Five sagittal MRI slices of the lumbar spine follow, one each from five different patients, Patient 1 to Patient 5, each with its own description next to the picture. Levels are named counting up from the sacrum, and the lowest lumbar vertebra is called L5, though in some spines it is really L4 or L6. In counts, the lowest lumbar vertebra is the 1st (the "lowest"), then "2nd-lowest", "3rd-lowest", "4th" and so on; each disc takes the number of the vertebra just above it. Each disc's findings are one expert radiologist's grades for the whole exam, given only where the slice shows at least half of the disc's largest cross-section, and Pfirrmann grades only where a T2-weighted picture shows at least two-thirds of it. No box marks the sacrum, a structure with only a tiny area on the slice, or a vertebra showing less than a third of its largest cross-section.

Patient 1 of 5:
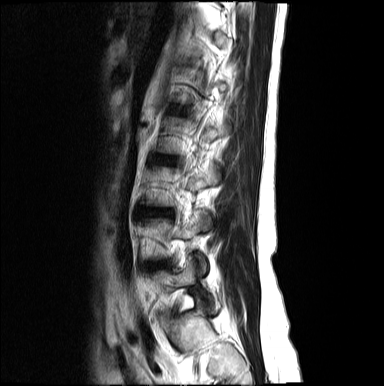 Slice 4 of 16; T2-weighted sagittal MRI of the lumbar spine; Sex F
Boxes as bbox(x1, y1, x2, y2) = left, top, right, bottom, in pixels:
4th disc at bbox(157, 156, 175, 163); 3rd-lowest disc at bbox(152, 209, 170, 214).

Patient 2 of 5:
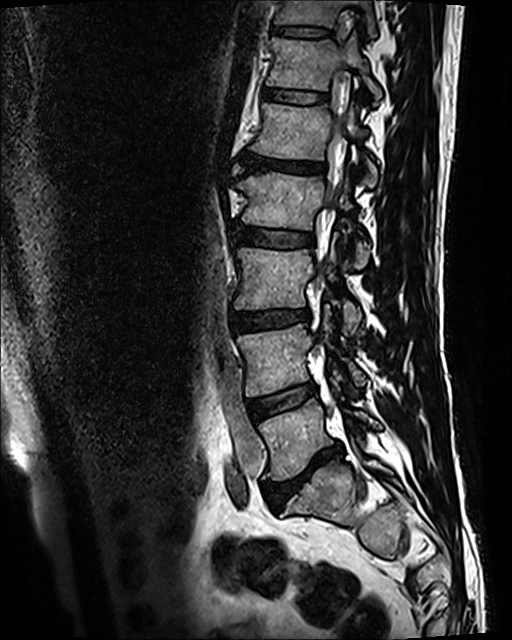 Sagittal T2 SPACE (3D) lumbar spine MRI, Field of view 240x300 mm, Sagittal slice index 76
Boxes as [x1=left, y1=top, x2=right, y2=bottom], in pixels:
4th vertebra at [x1=237, y1=172, x2=368, y2=267], 2nd-lowest disc at [x1=246, y1=383, x2=316, y2=417], 5th vertebra at [x1=250, y1=103, x2=377, y2=187], 6th vertebra at [x1=266, y1=35, x2=381, y2=100], 2nd-lowest vertebra at [x1=238, y1=308, x2=365, y2=396], 4th disc at [x1=233, y1=221, x2=314, y2=247], lowest vertebra at [x1=259, y1=383, x2=379, y2=480], 5th disc at [x1=241, y1=152, x2=326, y2=175], 3rd-lowest vertebra at [x1=234, y1=245, x2=361, y2=333], lowest disc at [x1=263, y1=443, x2=343, y2=507], 7th vertebra at [x1=275, y1=0, x2=375, y2=34], 6th disc at [x1=263, y1=87, x2=328, y2=104], 3rd-lowest disc at [x1=230, y1=309, x2=310, y2=332], spinal canal at [x1=316, y1=111, x2=344, y2=271], 7th disc at [x1=272, y1=28, x2=331, y2=37].

Radiological gradings:
- lowest disc: Pfirrmann grade 5, Modic type II, disc bulging, upper-endplate change, lower-endplate change, disc narrowing
- 3rd-lowest disc: Pfirrmann grade 3, upper-endplate change, lower-endplate change, disc bulging
- 2nd-lowest disc: Modic type II
- 6th disc: Pfirrmann grade 3
- 4th disc: Pfirrmann grade 3
- 5th disc: Pfirrmann grade 5, disc bulging, lower-endplate change, upper-endplate change, disc narrowing, Modic type II
- 7th disc: Pfirrmann grade 3, upper-endplate change, lower-endplate change

Patient 3 of 5:
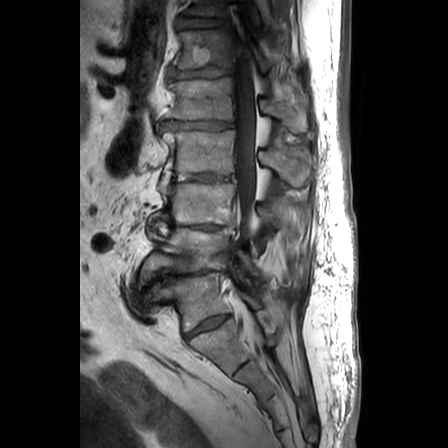
448x448 px. Sagittal T1-weighted lumbar spine MRI. Patient sex: M.
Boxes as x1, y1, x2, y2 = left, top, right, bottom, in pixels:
7th disc: 177, 18, 225, 28.
Lowest disc: 185, 315, 227, 337.
4th disc: 167, 173, 232, 181.
2nd-lowest disc: 144, 269, 213, 289.
5th vertebra: 165, 77, 308, 131.
5th disc: 161, 120, 232, 130.
3rd-lowest disc: 156, 220, 225, 229.
Lowest vertebra: 156, 272, 261, 331.
6th disc: 169, 67, 231, 80.
6th vertebra: 173, 27, 271, 71.
Thecal sac / spinal canal: 234, 39, 256, 247.
2nd-lowest vertebra: 138, 224, 261, 284.
3rd-lowest vertebra: 159, 183, 283, 229.
7th vertebra: 184, 0, 260, 27.
4th vertebra: 159, 130, 309, 186.

Per-level radiological findings:
- 6th disc: disc herniation, disc narrowing, disc bulging
- 4th disc: disc narrowing, disc bulging
- 2nd-lowest disc: disc herniation, Modic type II, disc narrowing, disc bulging
- 5th disc: disc bulging, disc narrowing
- 3rd-lowest disc: Modic type II, disc bulging, disc narrowing, disc herniation
- lowest disc: disc narrowing
- 7th disc: upper-endplate change, disc narrowing, disc bulging

Patient 4 of 5:
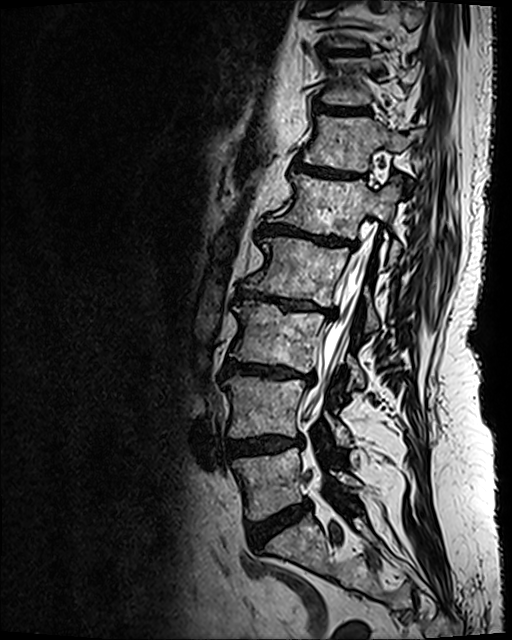 Sex F. Field of view 240x300 mm, slice spacing 0.9 mm. T2 SPACE (3D) sagittal MRI of the lumbar spine. Sagittal slice index 70.

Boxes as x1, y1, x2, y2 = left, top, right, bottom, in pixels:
Segmented structures:
- L4/L5: 224, 436, 301, 458
- L4 vertebra: 223, 376, 351, 445
- T12/L1: 293, 162, 352, 176
- IVD T10/T11: 321, 50, 362, 54
- T12: 304, 116, 411, 171
- L5 vertebra: 233, 448, 360, 520
- thecal sac / spinal canal: 309, 236, 371, 420
- L1: 270, 174, 400, 260
- L3/L4: 224, 359, 314, 381
- IVD T11/T12: 318, 106, 350, 113
- L5/S1: 247, 501, 311, 548
- L3 vertebra: 231, 301, 363, 384
- L2/L3: 237, 288, 335, 314
- L2 vertebra: 244, 237, 378, 331
- T11: 322, 58, 416, 105
- IVD L1/L2: 260, 225, 357, 247

Expert MSK radiologist gradings (per disc):
- L1/L2: Pfirrmann grade 5, disc bulging, disc narrowing, lower-endplate change, upper-endplate change, Modic type II
- L3/L4: Pfirrmann grade 5, upper-endplate change, disc bulging, lower-endplate change, Modic type II, disc narrowing
- L5/S1: Pfirrmann grade 4, disc bulging
- T12/L1: upper-endplate change, Modic type II, lower-endplate change
- L2/L3: upper-endplate change, disc bulging, lower-endplate change, disc narrowing, Modic type II
- L4/L5: Pfirrmann grade 4, lower-endplate change, upper-endplate change, disc bulging

Patient 5 of 5:
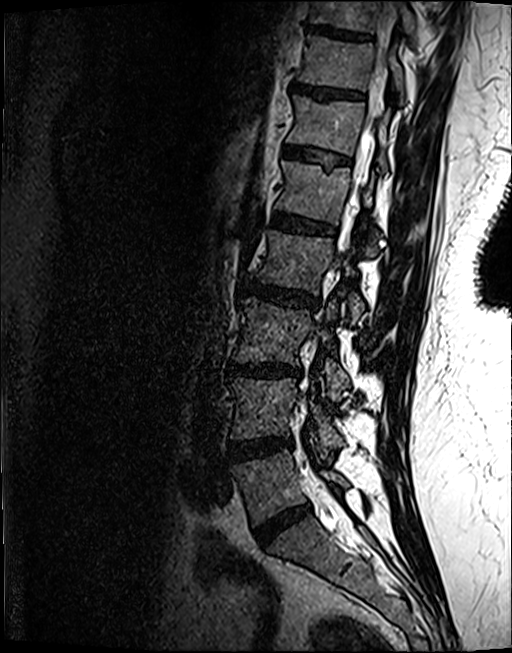 Sex F, Sagittal slice index 50, T2 SPACE (3D) sagittal MRI of the lumbar spine, 512x653 px, Slice spacing 0.9 mm
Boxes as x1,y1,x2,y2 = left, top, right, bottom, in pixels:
6th vertebra — 288,94,388,171.
7th disc — 293,83,362,97.
4th vertebra — 250,230,364,324.
2nd-lowest vertebra — 230,377,342,456.
8th disc — 307,24,369,39.
5th disc — 272,212,334,233.
6th disc — 284,145,350,163.
3rd-lowest disc — 229,362,300,376.
3rd-lowest vertebra — 234,297,349,400.
2nd-lowest disc — 227,438,291,461.
5th vertebra — 276,160,377,254.
8th vertebra — 311,0,414,33.
Lowest disc — 256,504,309,544.
Lowest vertebra — 231,450,348,526.
4th disc — 241,280,318,309.
Thecal sac / spinal canal — 351,0,400,204.
7th vertebra — 299,34,403,99.

Degenerative findings by level:
  5th disc: Pfirrmann grade 4, upper-endplate change, lower-endplate change, Modic type II
  7th disc: Pfirrmann grade 4, upper-endplate change
  lowest disc: Pfirrmann grade 4, disc narrowing, disc bulging
  2nd-lowest disc: Pfirrmann grade 4, Modic type II, lower-endplate change, disc bulging
  6th disc: Pfirrmann grade 3, upper-endplate change, lower-endplate change
  3rd-lowest disc: Pfirrmann grade 4, lower-endplate change, disc bulging, disc narrowing, upper-endplate change, Modic type II
  8th disc: Pfirrmann grade 4, upper-endplate change, lower-endplate change
  4th disc: Pfirrmann grade 4, lower-endplate change, upper-endplate change, disc bulging